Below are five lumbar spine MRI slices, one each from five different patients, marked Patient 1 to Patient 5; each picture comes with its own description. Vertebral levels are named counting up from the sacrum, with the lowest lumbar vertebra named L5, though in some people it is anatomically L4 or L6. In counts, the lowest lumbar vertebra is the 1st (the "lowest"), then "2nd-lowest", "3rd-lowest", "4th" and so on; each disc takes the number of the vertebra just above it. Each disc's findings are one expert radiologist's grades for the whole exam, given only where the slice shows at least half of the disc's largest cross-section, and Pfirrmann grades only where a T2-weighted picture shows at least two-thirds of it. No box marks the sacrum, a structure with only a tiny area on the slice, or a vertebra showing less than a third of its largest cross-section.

Patient 1 of 5:
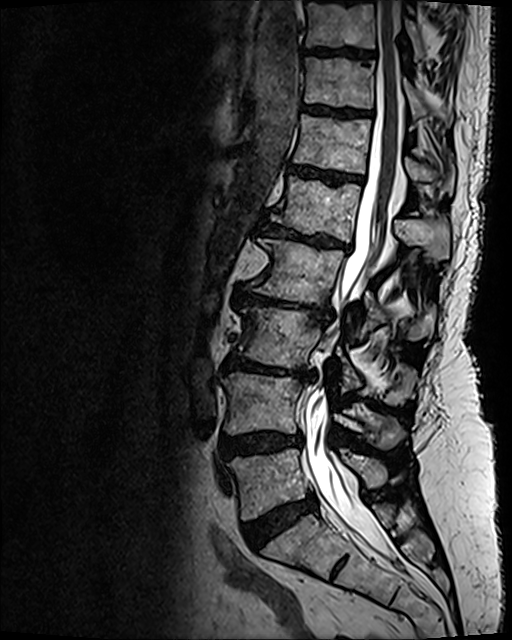 Patient sex: F. Sagittal T2 SPACE (3D) lumbar spine MRI. 512x640 px.

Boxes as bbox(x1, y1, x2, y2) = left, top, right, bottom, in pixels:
Annotations:
- 2nd-lowest disc at bbox(221, 432, 302, 458)
- 3rd-lowest disc at bbox(224, 355, 314, 378)
- 7th disc at bbox(305, 106, 367, 116)
- 6th vertebra at bbox(293, 114, 454, 193)
- 2nd-lowest vertebra at bbox(222, 373, 404, 448)
- 7th vertebra at bbox(304, 58, 452, 124)
- 3rd-lowest vertebra at bbox(238, 307, 415, 404)
- 8th vertebra at bbox(306, 0, 423, 58)
- 6th disc at bbox(289, 165, 362, 183)
- lowest vertebra at bbox(228, 448, 387, 519)
- 4th vertebra at bbox(254, 238, 434, 341)
- 5th vertebra at bbox(271, 176, 449, 258)
- 8th disc at bbox(307, 48, 368, 57)
- 5th disc at bbox(262, 222, 349, 249)
- 4th disc at bbox(234, 287, 331, 322)
- lowest disc at bbox(244, 494, 316, 547)
- spinal canal at bbox(304, 0, 400, 556)

Radiological gradings:
  4th disc: Pfirrmann grade 5, upper-endplate change, Modic type II, disc narrowing, disc bulging, lower-endplate change
  3rd-lowest disc: disc bulging, lower-endplate change, disc narrowing, upper-endplate change, Modic type II
  2nd-lowest disc: Pfirrmann grade 4, disc bulging, lower-endplate change, upper-endplate change
  5th disc: Pfirrmann grade 5, upper-endplate change, disc bulging, disc narrowing, Modic type II, lower-endplate change
  lowest disc: Pfirrmann grade 4, disc bulging
  6th disc: Pfirrmann grade 4, Modic type II, lower-endplate change, upper-endplate change
  7th disc: Pfirrmann grade 4, lower-endplate change, upper-endplate change
  8th disc: Pfirrmann grade 4, lower-endplate change, upper-endplate change

Patient 2 of 5:
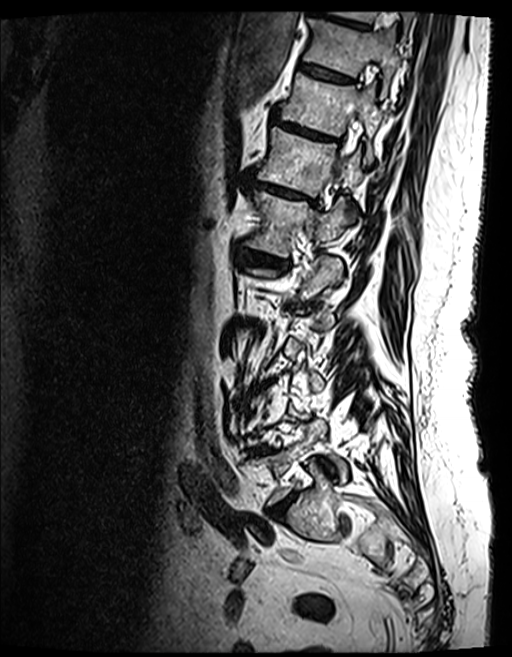
Slice spacing 0.9 mm | Lumbar spine MR, T2 SPACE (3D), sagittal

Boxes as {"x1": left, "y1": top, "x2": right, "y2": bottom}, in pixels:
IVD T9/T10 at {"x1": 311, "y1": 1, "x2": 368, "y2": 29}, T12/L1 at {"x1": 251, "y1": 180, "x2": 313, "y2": 202}, L1 vertebra at {"x1": 247, "y1": 190, "x2": 347, "y2": 256}, T11 at {"x1": 280, "y1": 74, "x2": 383, "y2": 161}, T12 at {"x1": 256, "y1": 127, "x2": 364, "y2": 196}, IVD T10/T11 at {"x1": 298, "y1": 62, "x2": 350, "y2": 83}, L1/L2 at {"x1": 239, "y1": 249, "x2": 269, "y2": 261}, T10 vertebra at {"x1": 303, "y1": 17, "x2": 400, "y2": 97}, T11/T12 at {"x1": 273, "y1": 118, "x2": 332, "y2": 141}, L5/S1 at {"x1": 271, "y1": 494, "x2": 295, "y2": 516}.

Per-level radiological findings:
- T9/T10: Pfirrmann grade 4, lower-endplate change, disc bulging, Modic type II, upper-endplate change
- T10/T11: Pfirrmann grade 4, lower-endplate change, upper-endplate change, Modic type II
- T11/T12: Pfirrmann grade 5, disc bulging, upper-endplate change, lower-endplate change, Modic type II, disc narrowing
- T12/L1: Pfirrmann grade 4, disc narrowing, lower-endplate change, upper-endplate change, disc bulging, Modic type II

Patient 3 of 5:
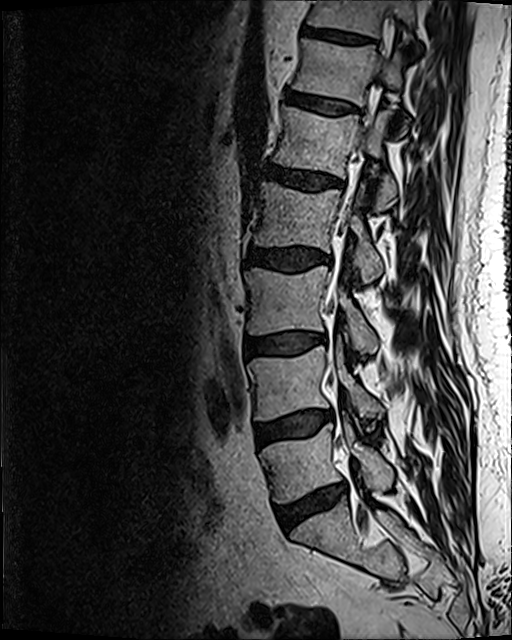
Image 512x640; Sagittal T2 SPACE (3D) lumbar spine MRI; Field of view 240x300 mm, slice spacing 0.9 mm; Slice 74/120
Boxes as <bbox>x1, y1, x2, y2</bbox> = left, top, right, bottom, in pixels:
2nd-lowest disc — <bbox>255, 412, 331, 446</bbox> | 5th vertebra — <bbox>273, 106, 396, 211</bbox> | lowest disc — <bbox>275, 487, 344, 530</bbox> | 2nd-lowest vertebra — <bbox>249, 346, 382, 420</bbox> | 7th vertebra — <bbox>307, 0, 415, 39</bbox> | 7th disc — <bbox>303, 25, 373, 44</bbox> | 6th vertebra — <bbox>292, 39, 406, 134</bbox> | 4th disc — <bbox>247, 246, 331, 271</bbox> | 6th disc — <bbox>286, 92, 356, 114</bbox> | spinal canal — <bbox>332, 281, 341, 307</bbox> | 3rd-lowest vertebra — <bbox>244, 266, 378, 353</bbox> | 3rd-lowest disc — <bbox>246, 333, 318, 355</bbox> | lowest vertebra — <bbox>260, 418, 393, 503</bbox> | 5th disc — <bbox>264, 164, 340, 191</bbox> | 4th vertebra — <bbox>254, 182, 382, 282</bbox>

Degenerative findings by level:
  7th disc: Pfirrmann grade 3
  3rd-lowest disc: Pfirrmann grade 2, disc bulging, Modic type II
  4th disc: Pfirrmann grade 3, disc bulging
  6th disc: Pfirrmann grade 2
  lowest disc: Pfirrmann grade 3, disc narrowing, disc bulging, Modic type II
  5th disc: Pfirrmann grade 3, disc bulging
  2nd-lowest disc: Pfirrmann grade 2, Modic type II, disc bulging

Patient 4 of 5:
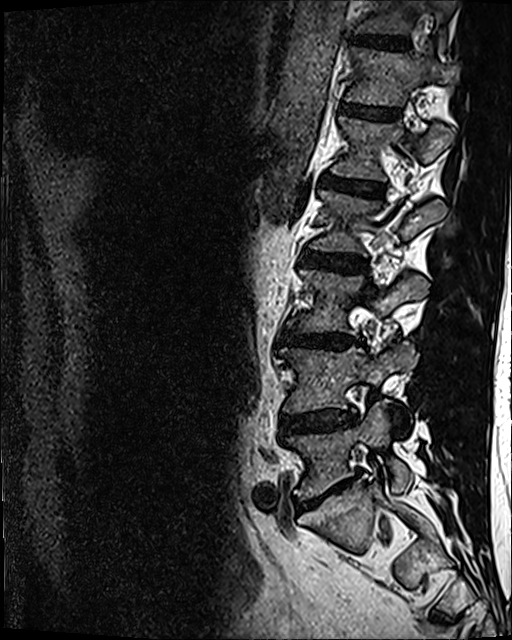 MRI lumbar spine (T2 SPACE (3D)), sagittal plane.

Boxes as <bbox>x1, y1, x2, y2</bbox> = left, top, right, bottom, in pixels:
* L4/L5 = <bbox>282, 408, 357, 432</bbox>
* L5 vertebra = <bbox>287, 400, 411, 498</bbox>
* L2 vertebra = <bbox>313, 191, 446, 253</bbox>
* T11/T12 = <bbox>354, 34, 407, 49</bbox>
* T11 vertebra = <bbox>353, 0, 457, 49</bbox>
* L1/L2 = <bbox>323, 175, 383, 197</bbox>
* disc L3/L4 = <bbox>282, 332, 362, 348</bbox>
* L4 = <bbox>282, 344, 417, 413</bbox>
* disc L2/L3 = <bbox>302, 252, 364, 271</bbox>
* disc L5/S1 = <bbox>297, 481, 349, 508</bbox>
* T12/L1 = <bbox>341, 102, 398, 119</bbox>
* T12 = <bbox>346, 47, 458, 106</bbox>
* L3 = <bbox>293, 270, 427, 331</bbox>
* L1 vertebra = <bbox>333, 116, 455, 180</bbox>

Per-level radiological findings:
- L1/L2: Pfirrmann grade 4
- L3/L4: Pfirrmann grade 4, disc narrowing, lower-endplate change, disc bulging
- L4/L5: Pfirrmann grade 3, disc bulging, disc narrowing
- L2/L3: Pfirrmann grade 3, disc bulging
- T11/T12, T12/L1: no spondylolisthesis, narrowing, bulging, herniation, Modic or endplate change recorded

Patient 5 of 5:
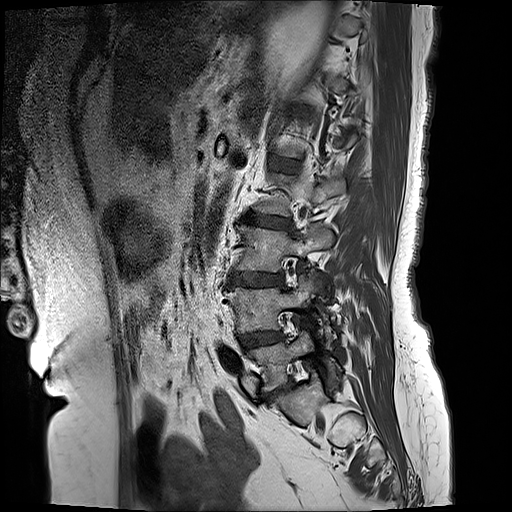 Image 512x512 | T1-weighted sagittal MRI of the lumbar spine
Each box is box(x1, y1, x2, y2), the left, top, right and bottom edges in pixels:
L4 at box(225, 270, 326, 344).
Intervertebral disc L1/L2 at box(270, 157, 299, 171).
Intervertebral disc L3/L4 at box(231, 273, 283, 285).
L3 vertebra at box(236, 225, 333, 270).
L5 vertebra at box(247, 330, 338, 390).
Intervertebral disc L5/S1 at box(267, 382, 294, 400).
L2 vertebra at box(255, 174, 344, 217).
Intervertebral disc L4/L5 at box(240, 333, 282, 349).
L2/L3 at box(243, 213, 291, 227).

Expert MSK radiologist gradings (per disc):
- L3/L4: upper-endplate change, lower-endplate change, disc bulging, disc narrowing, Modic type II
- L2/L3: Modic type II, lower-endplate change, disc bulging, upper-endplate change, disc narrowing
- L4/L5: disc bulging